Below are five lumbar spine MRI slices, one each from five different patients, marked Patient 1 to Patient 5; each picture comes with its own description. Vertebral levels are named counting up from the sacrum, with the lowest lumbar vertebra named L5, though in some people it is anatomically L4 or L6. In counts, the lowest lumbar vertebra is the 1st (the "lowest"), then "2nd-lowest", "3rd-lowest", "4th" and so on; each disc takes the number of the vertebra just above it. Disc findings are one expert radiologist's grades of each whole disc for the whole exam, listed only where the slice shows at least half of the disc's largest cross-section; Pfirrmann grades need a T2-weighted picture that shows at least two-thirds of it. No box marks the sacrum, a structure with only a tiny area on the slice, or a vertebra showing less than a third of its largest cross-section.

Patient 1 of 5:
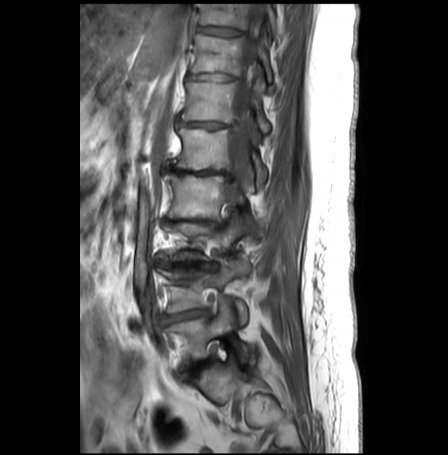 Image 448x455. Sagittal T1-weighted lumbar spine MRI. Field of view 280x284 mm.

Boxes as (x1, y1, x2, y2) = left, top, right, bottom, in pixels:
Annotations:
- 7th vertebra = (192, 33, 271, 81)
- 5th vertebra = (170, 127, 266, 187)
- 3rd-lowest vertebra = (159, 218, 247, 259)
- 5th disc = (165, 165, 232, 180)
- 4th vertebra = (164, 173, 254, 226)
- thecal sac / spinal canal = (225, 4, 264, 200)
- lowest disc = (191, 357, 212, 369)
- 6th vertebra = (181, 79, 269, 132)
- 6th disc = (177, 119, 231, 127)
- 8th disc = (198, 26, 240, 35)
- 4th disc = (164, 219, 220, 226)
- 8th vertebra = (199, 4, 275, 36)
- lowest vertebra = (166, 300, 251, 362)
- 2nd-lowest vertebra = (158, 255, 248, 322)
- 7th disc = (189, 73, 233, 80)
- 2nd-lowest disc = (163, 309, 207, 322)
- 3rd-lowest disc = (157, 260, 215, 269)

Radiological gradings:
  5th disc: disc bulging, lower-endplate change, upper-endplate change, Modic type II, disc narrowing
  2nd-lowest disc: upper-endplate change, Modic type II, disc bulging, disc herniation, disc narrowing, lower-endplate change
  6th disc: upper-endplate change, lower-endplate change, Modic type II, disc narrowing, disc bulging
  3rd-lowest disc: upper-endplate change, disc bulging, lower-endplate change, disc narrowing, Modic type II
  7th disc: disc bulging
  8th disc: no Modic or endplate change, herniation, narrowing, bulging or spondylolisthesis recorded

Patient 2 of 5:
Scanner: Philips Healthcare Ingenia (3T) | Slice 9 of 26 | T1-weighted sagittal MRI of the lumbar spine | 509x512 px 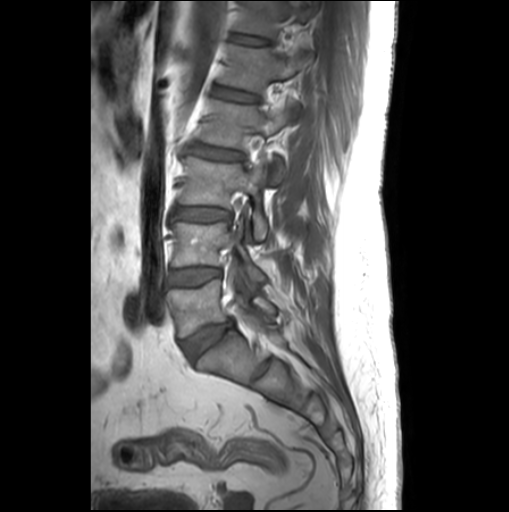
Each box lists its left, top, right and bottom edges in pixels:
L4 (2nd-lowest vertebra) at left=173, top=222, right=265, bottom=288; disc L2/L3 (4th disc) at left=190, top=144, right=243, bottom=160; T12 (6th vertebra) at left=238, top=1, right=312, bottom=35; disc L3/L4 (3rd-lowest disc) at left=174, top=206, right=231, bottom=221; L5 (lowest vertebra) at left=169, top=279, right=275, bottom=336; disc L1/L2 (5th disc) at left=215, top=85, right=258, bottom=101; L5/S1 (lowest disc) at left=183, top=320, right=232, bottom=359; disc T12/L1 (6th disc) at left=233, top=34, right=266, bottom=44; L2 (4th vertebra) at left=200, top=100, right=291, bottom=184; disc L4/L5 (2nd-lowest disc) at left=168, top=267, right=219, bottom=284; L3 (3rd-lowest vertebra) at left=181, top=157, right=268, bottom=239; L1 (5th vertebra) at left=220, top=45, right=312, bottom=91.

Radiological gradings:
• L2/L3 (4th disc): upper-endplate change, lower-endplate change, disc bulging
• L5/S1 (lowest disc): disc bulging
• L1/L2 (5th disc): upper-endplate change, lower-endplate change
• T12/L1 (6th disc), L3/L4 (3rd-lowest disc), L4/L5 (2nd-lowest disc): no herniation, bulging, narrowing, spondylolisthesis, endplate or Modic change recorded

Patient 3 of 5:
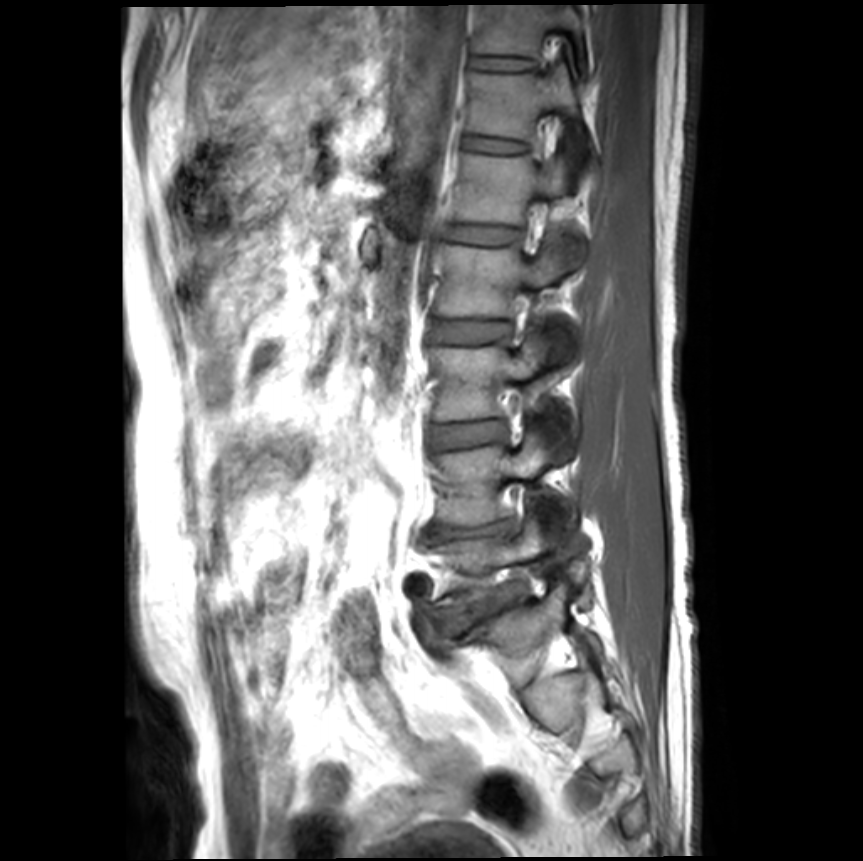
Sex M, Sagittal T1-weighted lumbar spine MRI
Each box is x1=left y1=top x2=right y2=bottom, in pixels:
Annotations:
* T12 vertebra: x1=469 y1=64 x2=582 y2=140
* intervertebral disc L1/L2: x1=448 y1=226 x2=520 y2=244
* L3: x1=428 y1=333 x2=548 y2=419
* L2 vertebra: x1=435 y1=231 x2=577 y2=354
* intervertebral disc T11/T12: x1=474 y1=57 x2=535 y2=70
* L2/L3: x1=430 y1=320 x2=510 y2=342
* intervertebral disc L4/L5: x1=425 y1=519 x2=516 y2=541
* T12/L1: x1=467 y1=136 x2=526 y2=152
* L5/S1: x1=440 y1=600 x2=513 y2=630
* L4 vertebra: x1=437 y1=430 x2=577 y2=524
* intervertebral disc L3/L4: x1=428 y1=420 x2=505 y2=448
* L1: x1=455 y1=152 x2=568 y2=223
* T11: x1=472 y1=4 x2=587 y2=64
* L5 vertebra: x1=435 y1=518 x2=552 y2=609

Per-level radiological findings:
• L4/L5: Modic type II, upper-endplate change, disc bulging, disc narrowing, lower-endplate change
• L1/L2, T11/T12, L2/L3, L3/L4, T12/L1: no herniation, bulging, narrowing, spondylolisthesis, endplate or Modic change recorded

Patient 4 of 5:
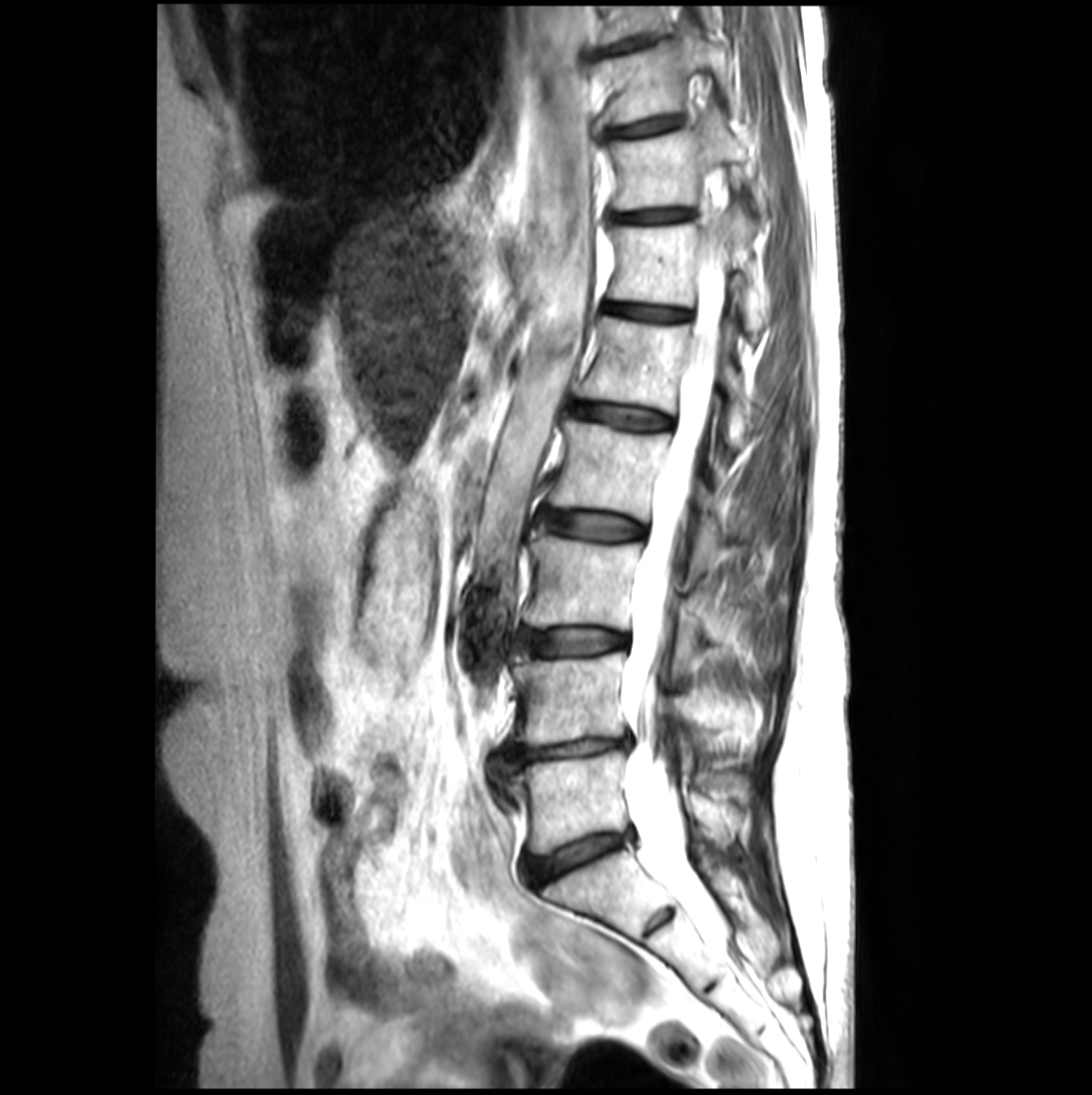 Sagittal T2-weighted lumbar spine MRI, Image 1092x1095, Sex F
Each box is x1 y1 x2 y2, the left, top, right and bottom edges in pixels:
T12 vertebra: 609 206 770 331
L3/L4: 521 630 625 655
T10: 598 33 722 124
L2 vertebra: 549 419 724 569
spinal canal: 622 195 725 933
L3: 523 535 703 666
L2/L3: 539 510 643 540
intervertebral disc T11/T12: 612 208 693 223
intervertebral disc T10/T11: 605 115 682 141
L4: 513 654 722 744
T12/L1: 608 304 687 320
T11 vertebra: 609 103 744 209
L1/L2: 571 403 669 429
L5 vertebra: 503 751 750 853
intervertebral disc L5/S1: 524 833 631 883
intervertebral disc L4/L5: 492 739 627 772
L1 vertebra: 573 316 754 446

Expert MSK radiologist gradings (per disc):
• T11/T12: Pfirrmann grade 3, lower-endplate change, upper-endplate change
• L1/L2: Pfirrmann grade 3, lower-endplate change, upper-endplate change
• L5/S1: Pfirrmann grade 4, disc narrowing, disc bulging
• L3/L4: Pfirrmann grade 3, lower-endplate change, upper-endplate change
• L4/L5: Pfirrmann grade 4, disc bulging, upper-endplate change, disc narrowing, disc herniation, lower-endplate change
• T10/T11: Pfirrmann grade 3, upper-endplate change, lower-endplate change
• L2/L3: Pfirrmann grade 3, upper-endplate change, lower-endplate change
• T12/L1: Pfirrmann grade 3

Patient 5 of 5:
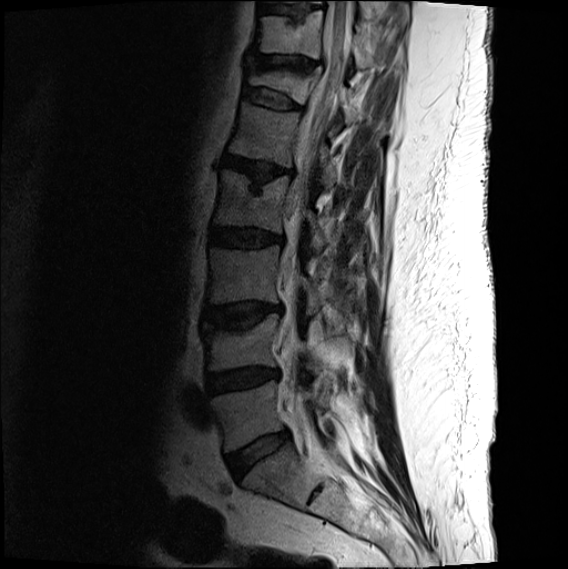
T2-weighted sagittal MRI of the lumbar spine | Patient sex: M

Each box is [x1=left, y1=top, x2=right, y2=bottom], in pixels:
Intervertebral disc L5/S1: [x1=226, y1=430, x2=288, y2=479].
L5 vertebra: [x1=211, y1=380, x2=327, y2=452].
Intervertebral disc L4/L5: [x1=206, y1=367, x2=280, y2=393].
L3 vertebra: [x1=207, y1=245, x2=325, y2=313].
Intervertebral disc T12/L1: [x1=244, y1=86, x2=302, y2=109].
L1/L2: [x1=223, y1=154, x2=293, y2=180].
L1: [x1=228, y1=101, x2=336, y2=188].
Intervertebral disc T11/T12: [x1=246, y1=52, x2=320, y2=68].
Intervertebral disc L3/L4: [x1=203, y1=302, x2=282, y2=327].
L4: [x1=203, y1=313, x2=323, y2=372].
T12 vertebra: [x1=245, y1=65, x2=387, y2=129].
Intervertebral disc L2/L3: [x1=210, y1=227, x2=283, y2=247].
T11 vertebra: [x1=254, y1=10, x2=373, y2=68].
L2 vertebra: [x1=213, y1=169, x2=328, y2=251].
Thecal sac / spinal canal: [x1=281, y1=0, x2=352, y2=420].

Per-level radiological findings:
  T11/T12: Pfirrmann grade 2, disc bulging, upper-endplate change, disc narrowing, lower-endplate change
  L5/S1: Pfirrmann grade 2, disc bulging
  L4/L5: Pfirrmann grade 3, disc bulging, disc narrowing
  L1/L2: Pfirrmann grade 3, Modic type II, lower-endplate change, upper-endplate change, disc bulging, disc narrowing
  T12/L1: Pfirrmann grade 2, upper-endplate change, spondylolisthesis, lower-endplate change, disc bulging
  L3/L4: Pfirrmann grade 3, lower-endplate change, disc bulging, Modic type II, upper-endplate change
  L2/L3: Pfirrmann grade 3, lower-endplate change, disc bulging